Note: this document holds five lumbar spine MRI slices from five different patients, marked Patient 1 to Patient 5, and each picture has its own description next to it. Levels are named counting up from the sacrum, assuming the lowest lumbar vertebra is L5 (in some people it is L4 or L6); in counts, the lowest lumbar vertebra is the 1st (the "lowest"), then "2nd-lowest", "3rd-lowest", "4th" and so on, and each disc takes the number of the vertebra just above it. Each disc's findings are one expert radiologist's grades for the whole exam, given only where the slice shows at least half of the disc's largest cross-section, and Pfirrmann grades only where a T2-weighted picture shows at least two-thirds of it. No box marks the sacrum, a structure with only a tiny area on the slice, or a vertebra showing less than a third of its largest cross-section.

Patient 1 of 5:
Sex F. Lumbar spine MR, T2-weighted, sagittal. Philips Healthcare Ingenia (3T).

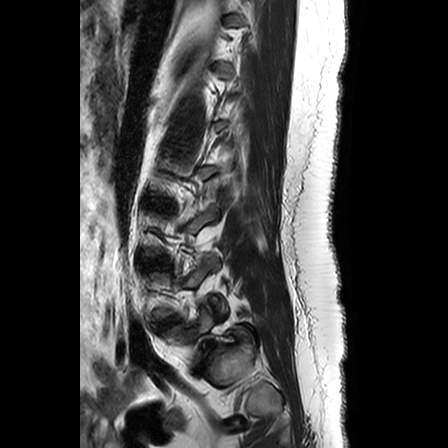
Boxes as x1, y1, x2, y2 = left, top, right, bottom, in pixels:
L5: 166, 308, 215, 360
L5/S1: 196, 341, 216, 370
L4/L5: 159, 317, 176, 328
disc L3/L4: 150, 259, 165, 268

Patient 2 of 5:
Lumbar spine MR, T1-weighted, sagittal, Slice 18/41, Sex F

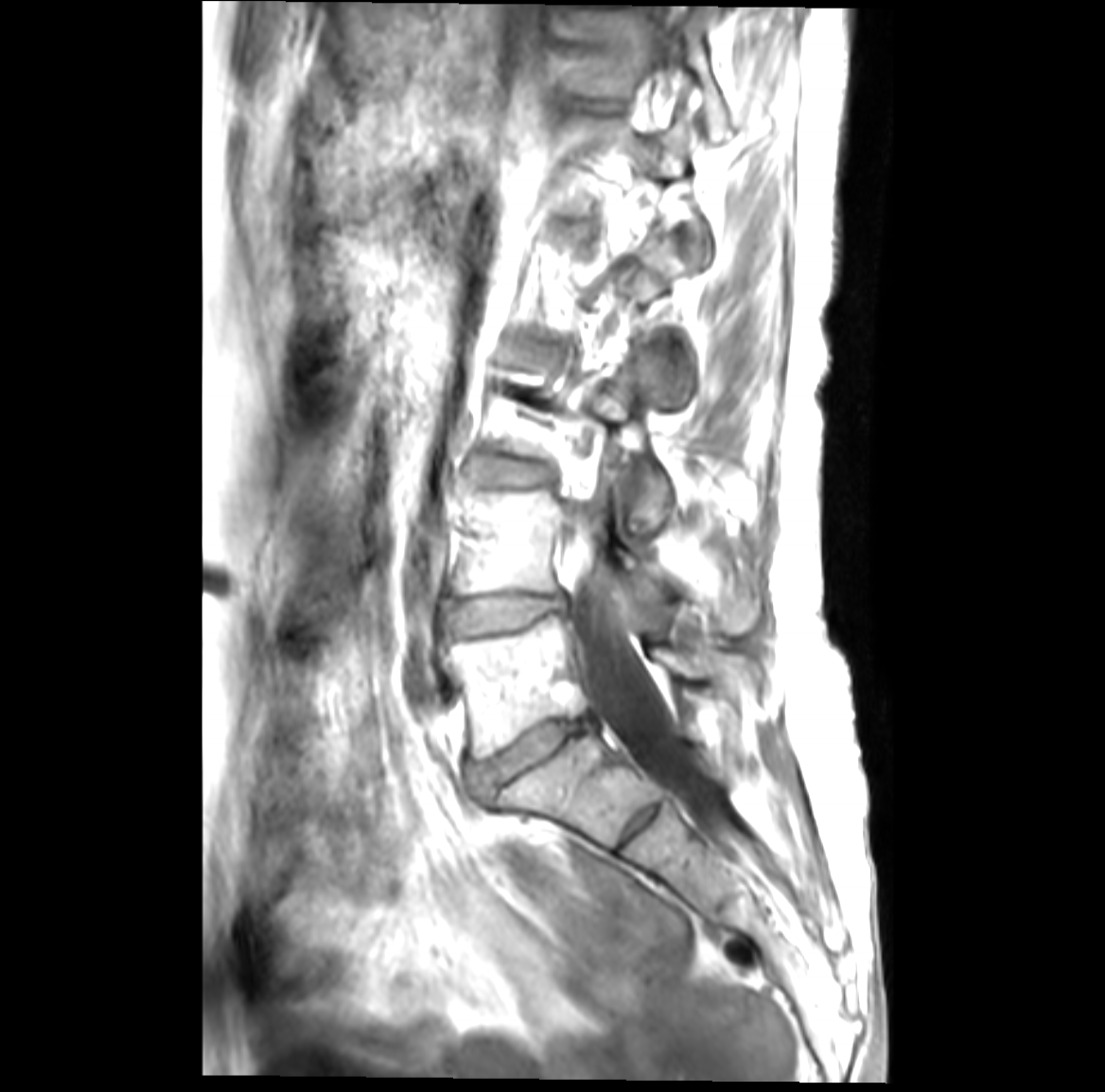
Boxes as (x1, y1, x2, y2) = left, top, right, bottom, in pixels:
T12/L1 at (587, 104, 605, 111), disc L4/L5 at (450, 595, 563, 634), disc L5/S1 at (469, 719, 590, 797), thecal sac / spinal canal at (568, 56, 726, 832), T12 vertebra at (568, 9, 728, 140), L5 at (444, 616, 757, 758), disc L3/L4 at (482, 459, 547, 484), L4 vertebra at (455, 489, 760, 632).

Per-level radiological findings:
- L5/S1: disc bulging, disc narrowing, Modic type II
- L4/L5: Modic type II, disc bulging

Patient 3 of 5:
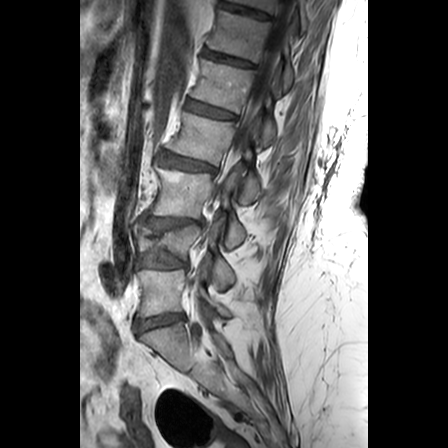 Slice 9 of 24, Slice spacing 3.3 mm, MRI lumbar spine (T1-weighted), sagittal plane, Patient sex: F

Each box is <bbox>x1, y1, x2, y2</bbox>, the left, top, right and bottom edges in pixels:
L3 (3rd-lowest vertebra) at <bbox>150, 164, 245, 248</bbox>, intervertebral disc L1/L2 (5th disc) at <bbox>187, 100, 235, 119</bbox>, T11 (7th vertebra) at <bbox>229, 0, 307, 30</bbox>, T12 (6th vertebra) at <bbox>209, 10, 293, 89</bbox>, intervertebral disc L5/S1 (lowest disc) at <bbox>135, 313, 183, 332</bbox>, L1 (5th vertebra) at <bbox>191, 58, 275, 145</bbox>, L3/L4 (3rd-lowest disc) at <bbox>144, 215, 201, 228</bbox>, spinal canal at <bbox>204, 0, 296, 245</bbox>, intervertebral disc T11/T12 (7th disc) at <bbox>222, 2, 270, 19</bbox>, L5 (lowest vertebra) at <bbox>138, 268, 229, 316</bbox>, L4 (2nd-lowest vertebra) at <bbox>134, 220, 234, 288</bbox>, intervertebral disc L4/L5 (2nd-lowest disc) at <bbox>138, 253, 186, 267</bbox>, intervertebral disc L2/L3 (4th disc) at <bbox>158, 151, 215, 172</bbox>, intervertebral disc T12/L1 (6th disc) at <bbox>205, 50, 253, 67</bbox>, L2 (4th vertebra) at <bbox>167, 112, 260, 203</bbox>.

Radiological gradings:
  T12/L1 (6th disc): upper-endplate change, lower-endplate change
  L2/L3 (4th disc): upper-endplate change, lower-endplate change
  T11/T12 (7th disc): lower-endplate change
  L4/L5 (2nd-lowest disc): lower-endplate change, disc bulging
  L3/L4 (3rd-lowest disc): upper-endplate change, disc bulging, lower-endplate change
  L5/S1 (lowest disc): disc bulging
  L1/L2 (5th disc): upper-endplate change

Patient 4 of 5:
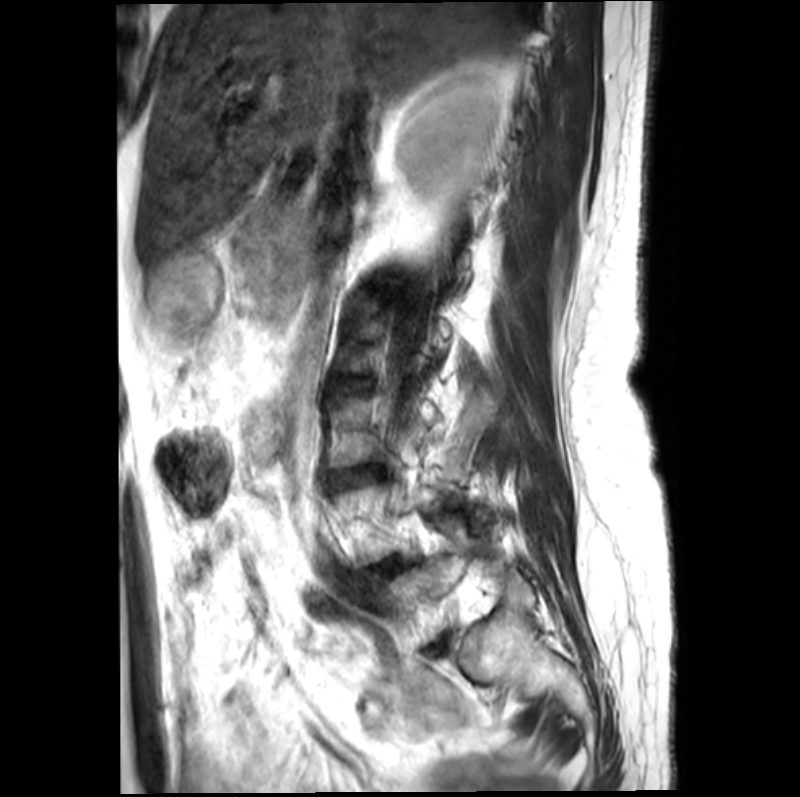
Slice 5/21, Lumbar spine MR, T2-weighted, sagittal
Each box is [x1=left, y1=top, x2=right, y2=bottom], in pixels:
L4/L5 — [x1=385, y1=557, x2=407, y2=575].
IVD L3/L4 — [x1=336, y1=467, x2=373, y2=487].

Patient 5 of 5:
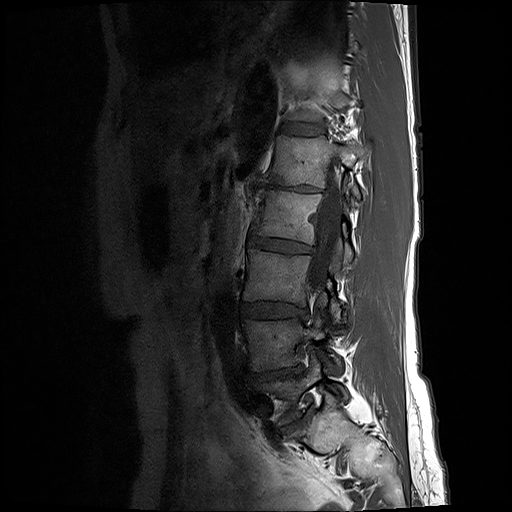 Sagittal T1-weighted lumbar spine MRI; Image 512x512
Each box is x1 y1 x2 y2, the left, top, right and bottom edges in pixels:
Segmented structures:
- L1 = 260 135 369 197
- intervertebral disc L2/L3 = 250 235 313 253
- intervertebral disc L3/L4 = 241 301 307 318
- L4 = 243 313 340 371
- T12/L1 = 280 123 324 136
- intervertebral disc L4/L5 = 250 366 302 384
- L2 vertebra = 254 191 352 263
- thecal sac / spinal canal = 309 159 341 294
- L3 = 243 249 340 323
- intervertebral disc L1/L2 = 258 183 322 195
- L5/S1 = 281 415 305 432
- L5 vertebra = 262 351 348 425

Expert MSK radiologist gradings (per disc):
• L3/L4: disc bulging
• L4/L5: disc bulging, Modic type II, disc narrowing
• L2/L3: disc bulging, disc narrowing
• L1/L2: Modic type II, lower-endplate change, disc bulging, disc narrowing, upper-endplate change
• T12/L1: no herniation, bulging, narrowing, spondylolisthesis, endplate or Modic change recorded